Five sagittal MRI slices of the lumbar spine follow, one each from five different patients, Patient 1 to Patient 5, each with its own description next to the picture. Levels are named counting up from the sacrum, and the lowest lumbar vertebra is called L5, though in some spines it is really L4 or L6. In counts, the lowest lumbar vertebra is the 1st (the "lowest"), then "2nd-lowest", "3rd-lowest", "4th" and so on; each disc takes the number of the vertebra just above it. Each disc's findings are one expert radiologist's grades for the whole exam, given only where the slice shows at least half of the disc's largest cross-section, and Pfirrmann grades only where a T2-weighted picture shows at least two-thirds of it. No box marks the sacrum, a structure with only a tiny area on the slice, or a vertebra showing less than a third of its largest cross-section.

Patient 1 of 5:
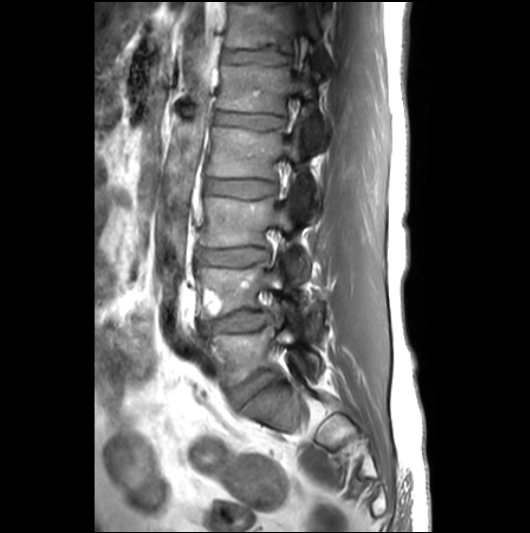 Slice spacing 3.3 mm | MRI lumbar spine (T1-weighted), sagittal plane | 530x533 px
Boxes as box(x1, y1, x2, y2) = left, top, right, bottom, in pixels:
2nd-lowest disc = box(200, 311, 273, 335).
Lowest disc = box(228, 368, 278, 409).
5th vertebra = box(216, 62, 323, 153).
5th disc = box(214, 112, 284, 131).
Lowest vertebra = box(206, 324, 322, 385).
6th disc = box(223, 47, 289, 65).
4th vertebra = box(207, 128, 315, 213).
3rd-lowest disc = box(196, 248, 268, 266).
2nd-lowest vertebra = box(196, 255, 322, 337).
4th disc = box(206, 178, 274, 199).
6th vertebra = box(226, 2, 331, 75).
3rd-lowest vertebra = box(200, 197, 306, 273).

Degenerative findings by level:
• 6th disc: lower-endplate change
• 2nd-lowest disc: Modic type II, disc bulging, disc herniation, disc narrowing
• lowest disc: disc bulging
• 3rd-lowest disc: upper-endplate change, disc bulging
• 5th disc, 4th disc: no spondylolisthesis, narrowing, bulging, herniation, Modic or endplate change recorded

Patient 2 of 5:
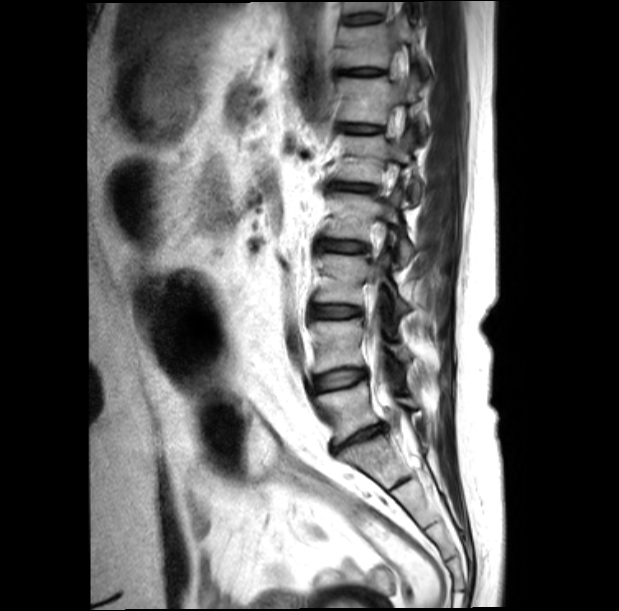
Sex F. Sagittal slice index 14. Lumbar spine MR, T2-weighted, sagittal.
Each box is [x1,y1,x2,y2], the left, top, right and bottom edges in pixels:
intervertebral disc T11/T12 (7th disc) — [344,68,381,76] | intervertebral disc L3/L4 (3rd-lowest disc) — [311,305,360,318] | intervertebral disc L1/L2 (5th disc) — [333,182,376,192] | intervertebral disc L2/L3 (4th disc) — [323,241,364,251] | T10/T11 (8th disc) — [347,13,383,24] | T12 (6th vertebra) — [341,75,425,129] | T11 (7th vertebra) — [342,17,429,77] | intervertebral disc L4/L5 (2nd-lowest disc) — [314,369,366,391] | intervertebral disc L5/S1 (lowest disc) — [334,422,389,451] | L4 (2nd-lowest vertebra) — [311,319,411,372] | spinal canal — [370,301,376,372] | T12/L1 (6th disc) — [344,125,381,132] | L1 (5th vertebra) — [336,133,422,201] | L5 (lowest vertebra) — [316,381,417,444] | L2 (4th vertebra) — [326,191,414,264] | L3 (3rd-lowest vertebra) — [314,254,407,311]

Degenerative findings by level:
• L4/L5 (2nd-lowest disc): Pfirrmann grade 2, disc bulging
• L1/L2 (5th disc): Pfirrmann grade 1, disc bulging, disc narrowing
• T10/T11 (8th disc): Pfirrmann grade 2
• T11/T12 (7th disc): Pfirrmann grade 2, upper-endplate change
• L5/S1 (lowest disc): disc herniation, disc narrowing
• L3/L4 (3rd-lowest disc): Pfirrmann grade 2
• T12/L1 (6th disc), L2/L3 (4th disc): no herniation, bulging, narrowing, spondylolisthesis, endplate or Modic change recorded

Patient 3 of 5:
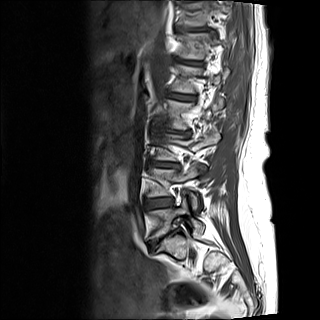

Patient sex: F, MRI lumbar spine (T1-weighted), sagittal plane, Sagittal slice index 3
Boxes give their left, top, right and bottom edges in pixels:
Annotations:
* 4th disc: left=153, top=126, right=189, bottom=133
* 7th vertebra: left=181, top=3, right=231, bottom=26
* 6th vertebra: left=180, top=3, right=226, bottom=59
* 5th vertebra: left=172, top=65, right=221, bottom=93
* 5th disc: left=168, top=93, right=195, bottom=101
* lowest disc: left=150, top=228, right=180, bottom=246
* 6th disc: left=178, top=58, right=200, bottom=66
* 2nd-lowest vertebra: left=148, top=164, right=203, bottom=209
* 4th vertebra: left=165, top=98, right=223, bottom=129
* lowest vertebra: left=150, top=196, right=204, bottom=239
* 2nd-lowest disc: left=145, top=198, right=172, bottom=208
* 3rd-lowest disc: left=150, top=161, right=179, bottom=168
* 7th disc: left=177, top=26, right=206, bottom=32

Expert MSK radiologist gradings (per disc):
- 3rd-lowest disc: upper-endplate change, Modic type II, lower-endplate change, disc narrowing, disc bulging
- 2nd-lowest disc: lower-endplate change, Modic type II, upper-endplate change, disc bulging
- 5th disc: upper-endplate change, lower-endplate change, disc bulging, Modic type II
- 7th disc: disc narrowing, Modic type II, upper-endplate change, lower-endplate change, disc bulging
- 4th disc: disc narrowing, upper-endplate change, disc bulging, lower-endplate change, Modic type III

Patient 4 of 5:
Sagittal T2-weighted lumbar spine MRI.

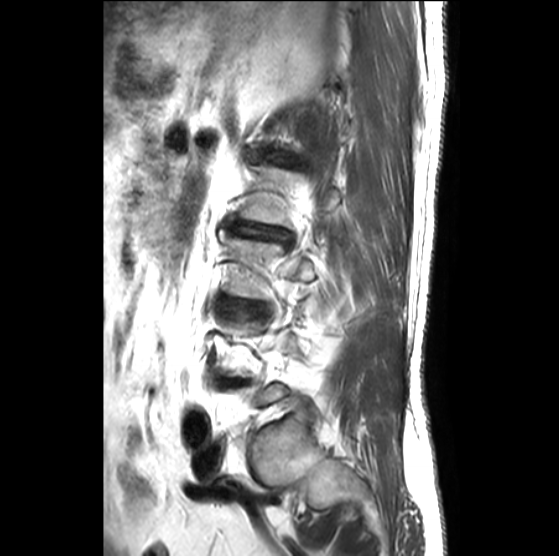

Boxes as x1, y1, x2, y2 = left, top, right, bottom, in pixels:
Segmented structures:
- L3 vertebra: 220, 230, 314, 298
- L2: 241, 164, 340, 227
- IVD L2/L3: 238, 227, 291, 241
- IVD L3/L4: 228, 300, 247, 313

Degenerative findings by level:
- L2/L3: Modic type II, lower-endplate change, upper-endplate change, disc bulging, disc narrowing

Patient 5 of 5:
Sagittal T2-weighted lumbar spine MRI; Field of view 280x286 mm

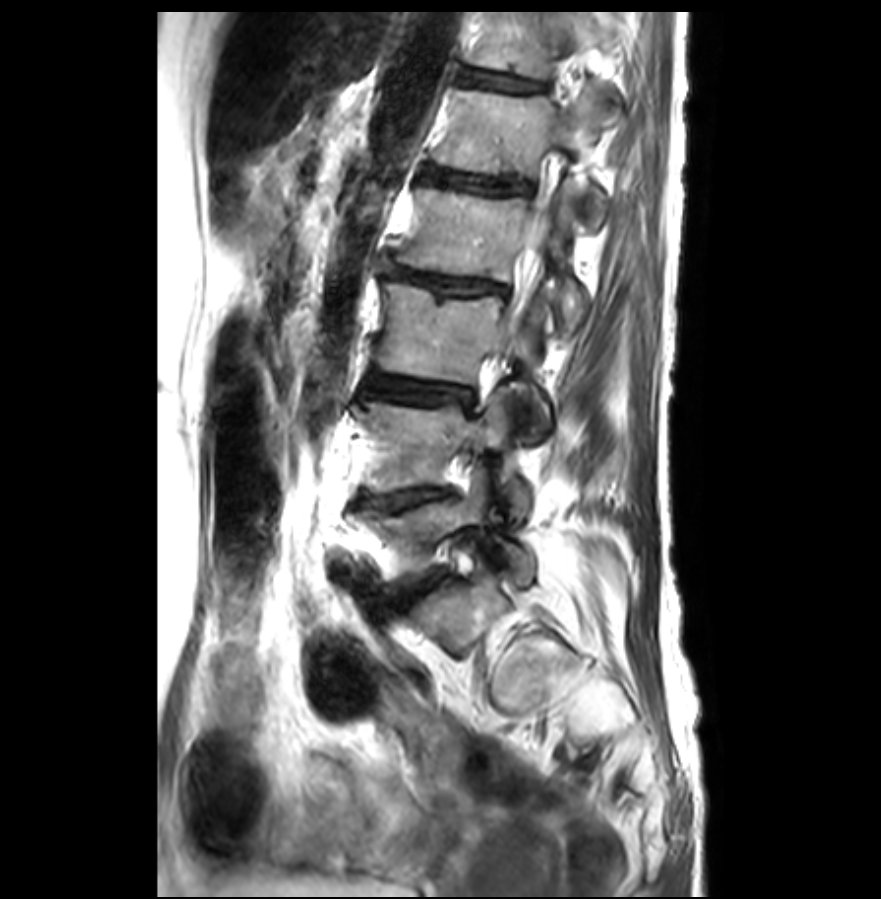

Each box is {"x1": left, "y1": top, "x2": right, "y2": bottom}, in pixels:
Thecal sac / spinal canal at {"x1": 506, "y1": 210, "x2": 546, "y2": 328}.
Disc L4/L5 (2nd-lowest disc) at {"x1": 356, "y1": 488, "x2": 453, "y2": 512}.
L4 (2nd-lowest vertebra) at {"x1": 354, "y1": 389, "x2": 530, "y2": 517}.
Disc L3/L4 (3rd-lowest disc) at {"x1": 366, "y1": 372, "x2": 469, "y2": 403}.
L5 (lowest vertebra) at {"x1": 356, "y1": 480, "x2": 534, "y2": 588}.
L3 (3rd-lowest vertebra) at {"x1": 376, "y1": 281, "x2": 550, "y2": 440}.
L1 (5th vertebra) at {"x1": 433, "y1": 90, "x2": 609, "y2": 227}.
L2 (4th vertebra) at {"x1": 397, "y1": 183, "x2": 587, "y2": 333}.
T12 (6th vertebra) at {"x1": 464, "y1": 13, "x2": 621, "y2": 124}.
L5/S1 (lowest disc) at {"x1": 397, "y1": 572, "x2": 444, "y2": 605}.
L2/L3 (4th disc) at {"x1": 376, "y1": 252, "x2": 506, "y2": 294}.
Disc L1/L2 (5th disc) at {"x1": 423, "y1": 168, "x2": 532, "y2": 193}.
Disc T12/L1 (6th disc) at {"x1": 458, "y1": 69, "x2": 548, "y2": 92}.

Radiological gradings:
  L1/L2 (5th disc): Pfirrmann grade 2, lower-endplate change, Modic type II, upper-endplate change
  L3/L4 (3rd-lowest disc): Pfirrmann grade 3, disc bulging, Modic type II
  L2/L3 (4th disc): Pfirrmann grade 5, upper-endplate change, disc bulging, disc herniation, Modic type II, lower-endplate change, disc narrowing
  L4/L5 (2nd-lowest disc): Pfirrmann grade 5, Modic type II, disc narrowing, disc bulging
  T12/L1 (6th disc): Pfirrmann grade 2, upper-endplate change, lower-endplate change